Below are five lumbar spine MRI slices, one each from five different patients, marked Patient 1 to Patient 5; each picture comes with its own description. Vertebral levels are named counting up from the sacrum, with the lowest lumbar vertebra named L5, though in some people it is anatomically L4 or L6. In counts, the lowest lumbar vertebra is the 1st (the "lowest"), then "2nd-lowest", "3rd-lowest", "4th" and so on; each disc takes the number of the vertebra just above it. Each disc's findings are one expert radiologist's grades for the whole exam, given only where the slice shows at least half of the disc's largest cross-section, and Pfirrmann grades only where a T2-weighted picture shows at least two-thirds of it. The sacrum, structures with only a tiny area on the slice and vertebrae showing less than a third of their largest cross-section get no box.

Patient 1 of 5:
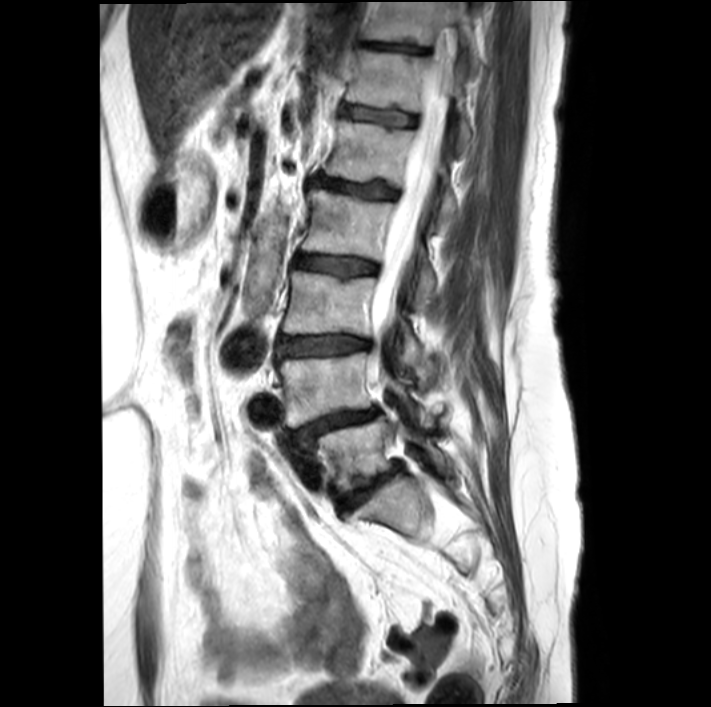 711x707 px; Lumbar spine MR, T2-weighted, sagittal; Field of view 310x308 mm, slice spacing 4.4 mm

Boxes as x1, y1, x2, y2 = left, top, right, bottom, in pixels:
L5/S1 (lowest disc): 340, 466, 399, 510 | T11 (7th vertebra): 365, 2, 473, 48 | T12 (6th vertebra): 346, 49, 470, 151 | L2/L3 (4th disc): 296, 254, 377, 276 | spinal canal: 369, 77, 446, 387 | intervertebral disc T11/T12 (7th disc): 366, 42, 427, 53 | L4/L5 (2nd-lowest disc): 294, 409, 377, 445 | L1/L2 (5th disc): 312, 177, 397, 198 | L3 (3rd-lowest vertebra): 284, 271, 424, 368 | L2 (4th vertebra): 302, 190, 434, 307 | L4 (2nd-lowest vertebra): 278, 352, 433, 427 | T12/L1 (6th disc): 342, 106, 416, 125 | L1 (5th vertebra): 324, 119, 456, 225 | L5 (lowest vertebra): 313, 410, 445, 492 | L3/L4 (3rd-lowest disc): 278, 335, 369, 357

Degenerative findings by level:
- L3/L4 (3rd-lowest disc): Pfirrmann grade 3, disc bulging, lower-endplate change, Modic type II, upper-endplate change
- T12/L1 (6th disc): Pfirrmann grade 3, lower-endplate change, Modic type II, upper-endplate change
- L4/L5 (2nd-lowest disc): Pfirrmann grade 4, spondylolisthesis, Modic type II, lower-endplate change, disc bulging, disc narrowing
- L2/L3 (4th disc): Pfirrmann grade 3, upper-endplate change, Modic type II
- L5/S1 (lowest disc): disc bulging, Modic type II, disc narrowing, lower-endplate change
- L1/L2 (5th disc): Pfirrmann grade 3, lower-endplate change, Modic type II
- T11/T12 (7th disc): Pfirrmann grade 4, lower-endplate change, upper-endplate change, disc bulging

Patient 2 of 5:
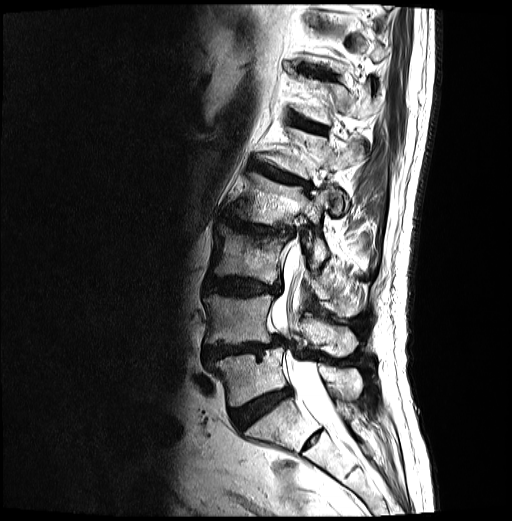 Slice 16/30, T2-weighted sagittal MRI of the lumbar spine
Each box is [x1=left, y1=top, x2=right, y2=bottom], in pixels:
disc T12/L1 (6th disc) = [x1=291, y1=116, x2=326, y2=132] | L5/S1 (lowest disc) = [x1=232, y1=388, x2=290, y2=429] | L1 (5th vertebra) = [x1=257, y1=128, x2=363, y2=215] | L1/L2 (5th disc) = [x1=250, y1=160, x2=311, y2=189] | L2 (4th vertebra) = [x1=232, y1=172, x2=334, y2=266] | T12 (6th vertebra) = [x1=294, y1=74, x2=377, y2=124] | L2/L3 (4th disc) = [x1=220, y1=214, x2=293, y2=239] | L4 (2nd-lowest vertebra) = [x1=204, y1=294, x2=358, y2=355] | L5 (lowest vertebra) = [x1=214, y1=346, x2=362, y2=406] | T11/T12 (7th disc) = [x1=300, y1=65, x2=332, y2=77] | disc L3/L4 (3rd-lowest disc) = [x1=205, y1=277, x2=279, y2=296] | L3 (3rd-lowest vertebra) = [x1=211, y1=227, x2=363, y2=317] | spinal canal = [x1=272, y1=241, x2=341, y2=432] | disc L4/L5 (2nd-lowest disc) = [x1=204, y1=335, x2=283, y2=361]

Per-level radiological findings:
• L3/L4 (3rd-lowest disc): Pfirrmann grade 4, lower-endplate change, disc bulging, upper-endplate change
• L1/L2 (5th disc): Pfirrmann grade 4, upper-endplate change, disc bulging, lower-endplate change, Modic type II
• L4/L5 (2nd-lowest disc): Pfirrmann grade 4, disc narrowing, disc bulging, lower-endplate change, spondylolisthesis, Modic type II, disc herniation, upper-endplate change
• L5/S1 (lowest disc): Pfirrmann grade 4
• L2/L3 (4th disc): Pfirrmann grade 4, disc narrowing, Modic type I, lower-endplate change, disc bulging, upper-endplate change

Patient 3 of 5:
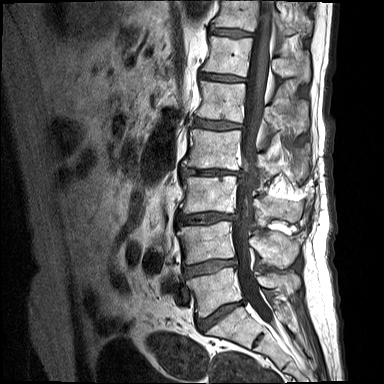 Slice 8 of 15 | Slice spacing 4.4 mm | MRI lumbar spine (T1-weighted), sagittal plane
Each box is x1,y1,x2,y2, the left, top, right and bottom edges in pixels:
L3/L4 (3rd-lowest disc) at 176,212,237,225; L4 (2nd-lowest vertebra) at 178,221,298,268; L1/L2 (5th disc) at 193,118,243,129; T11/T12 (7th disc) at 209,28,253,38; L3 (3rd-lowest vertebra) at 180,176,301,226; spinal canal at 232,0,276,326; IVD L4/L5 (2nd-lowest disc) at 183,259,236,277; IVD L5/S1 (lowest disc) at 196,299,246,331; L5 (lowest vertebra) at 186,267,299,317; L2/L3 (4th disc) at 180,168,242,176; L2 (4th vertebra) at 181,128,304,177; T11 (7th vertebra) at 212,0,312,34; IVD T12/L1 (6th disc) at 200,72,246,81; T12 (6th vertebra) at 202,36,310,82; L1 (5th vertebra) at 196,80,309,133.

Expert MSK radiologist gradings (per disc):
• L1/L2 (5th disc): disc bulging, Modic type II, lower-endplate change, disc narrowing
• L2/L3 (4th disc): disc narrowing, Modic type II, disc herniation, lower-endplate change
• T11/T12 (7th disc): disc narrowing, upper-endplate change, Modic type II, lower-endplate change
• L5/S1 (lowest disc): disc narrowing, disc bulging, Modic type II
• L4/L5 (2nd-lowest disc): disc narrowing, lower-endplate change, Modic type II, disc bulging
• L3/L4 (3rd-lowest disc): upper-endplate change, disc herniation, Modic type II, disc narrowing, lower-endplate change
• T12/L1 (6th disc): Modic type II, disc narrowing

Patient 4 of 5:
Sagittal slice index 54, T2 SPACE (3D) sagittal MRI of the lumbar spine 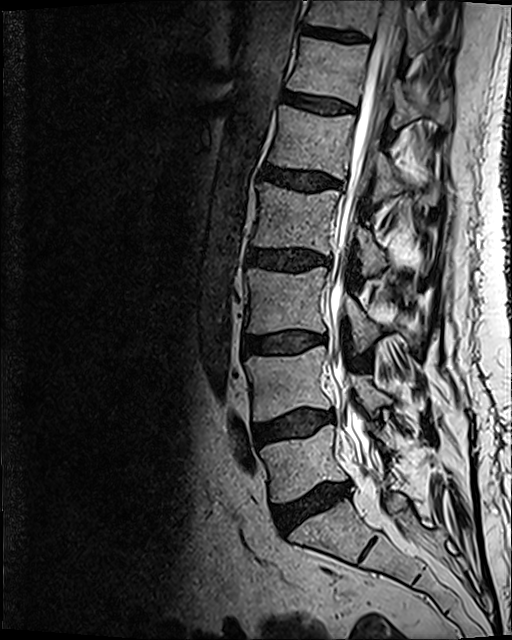 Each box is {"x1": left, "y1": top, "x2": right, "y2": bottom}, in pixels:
Annotations:
- spinal canal — {"x1": 320, "y1": 0, "x2": 405, "y2": 484}
- IVD L4/L5 (2nd-lowest disc) — {"x1": 255, "y1": 410, "x2": 332, "y2": 444}
- T12 (6th vertebra) — {"x1": 287, "y1": 37, "x2": 450, "y2": 127}
- IVD L2/L3 (4th disc) — {"x1": 248, "y1": 249, "x2": 328, "y2": 270}
- L5/S1 (lowest disc) — {"x1": 274, "y1": 483, "x2": 350, "y2": 530}
- L1/L2 (5th disc) — {"x1": 257, "y1": 163, "x2": 341, "y2": 191}
- T11 (7th vertebra) — {"x1": 305, "y1": 0, "x2": 457, "y2": 56}
- L3/L4 (3rd-lowest disc) — {"x1": 243, "y1": 330, "x2": 321, "y2": 353}
- T12/L1 (6th disc) — {"x1": 286, "y1": 93, "x2": 354, "y2": 113}
- T11/T12 (7th disc) — {"x1": 302, "y1": 24, "x2": 367, "y2": 43}
- L5 (lowest vertebra) — {"x1": 260, "y1": 424, "x2": 391, "y2": 501}
- L3 (3rd-lowest vertebra) — {"x1": 246, "y1": 267, "x2": 418, "y2": 351}
- L1 (5th vertebra) — {"x1": 270, "y1": 105, "x2": 439, "y2": 205}
- L4 (2nd-lowest vertebra) — {"x1": 245, "y1": 349, "x2": 392, "y2": 421}
- L2 (4th vertebra) — {"x1": 254, "y1": 182, "x2": 429, "y2": 275}

Radiological gradings:
• L1/L2 (5th disc): Pfirrmann grade 3, disc bulging
• T11/T12 (7th disc): Pfirrmann grade 3
• L2/L3 (4th disc): Pfirrmann grade 3, disc bulging
• L5/S1 (lowest disc): Pfirrmann grade 3, disc bulging, Modic type II, disc narrowing
• L3/L4 (3rd-lowest disc): Pfirrmann grade 2, disc bulging, Modic type II
• L4/L5 (2nd-lowest disc): Pfirrmann grade 2, Modic type II, disc bulging
• T12/L1 (6th disc): Pfirrmann grade 2

Patient 5 of 5:
Image 448x450, Slice 17/26, MRI lumbar spine (T2-weighted), sagittal plane
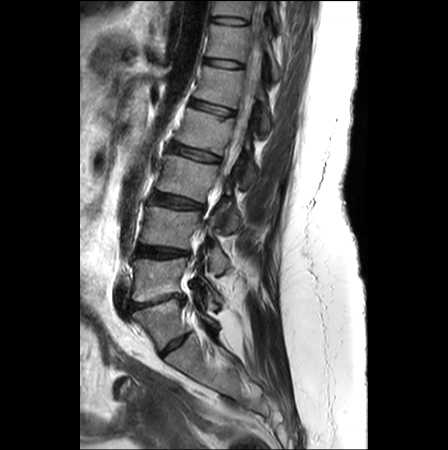
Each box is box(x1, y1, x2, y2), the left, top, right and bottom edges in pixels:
L2 vertebra: box(175, 107, 255, 186).
IVD T11/T12: box(212, 16, 247, 23).
IVD L2/L3: box(168, 142, 219, 162).
L5 vertebra: box(132, 257, 222, 310).
L4 vertebra: box(140, 206, 228, 273).
IVD L4/L5: box(136, 245, 188, 258).
T12/L1: box(205, 58, 242, 68).
L3 vertebra: box(156, 154, 241, 230).
IVD L1/L2: box(191, 99, 234, 116).
L3/L4: box(150, 192, 202, 208).
T11: box(212, 1, 282, 31).
L1 vertebra: box(194, 65, 270, 131).
Thecal sac / spinal canal: box(213, 1, 263, 194).
IVD L5/S1: box(128, 294, 184, 310).
T12: box(207, 24, 281, 80).

Expert MSK radiologist gradings (per disc):
  T12/L1: Pfirrmann grade 1
  L2/L3: Pfirrmann grade 2, upper-endplate change, lower-endplate change
  L4/L5: Pfirrmann grade 4, disc bulging, disc herniation
  L5/S1: Pfirrmann grade 5, disc narrowing, spondylolisthesis, disc bulging, Modic type II
  L1/L2: Pfirrmann grade 2, lower-endplate change, upper-endplate change
  T11/T12: Pfirrmann grade 1
  L3/L4: Pfirrmann grade 3, disc bulging, Modic type II